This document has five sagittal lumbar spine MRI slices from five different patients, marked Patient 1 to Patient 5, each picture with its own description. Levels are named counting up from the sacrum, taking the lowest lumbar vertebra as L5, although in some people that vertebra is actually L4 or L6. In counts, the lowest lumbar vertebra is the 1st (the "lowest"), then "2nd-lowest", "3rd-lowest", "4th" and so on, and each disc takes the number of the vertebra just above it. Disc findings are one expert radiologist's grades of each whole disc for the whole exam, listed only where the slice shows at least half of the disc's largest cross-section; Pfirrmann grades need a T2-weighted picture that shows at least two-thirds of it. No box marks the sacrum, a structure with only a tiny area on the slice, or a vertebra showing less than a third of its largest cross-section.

Patient 1 of 5:
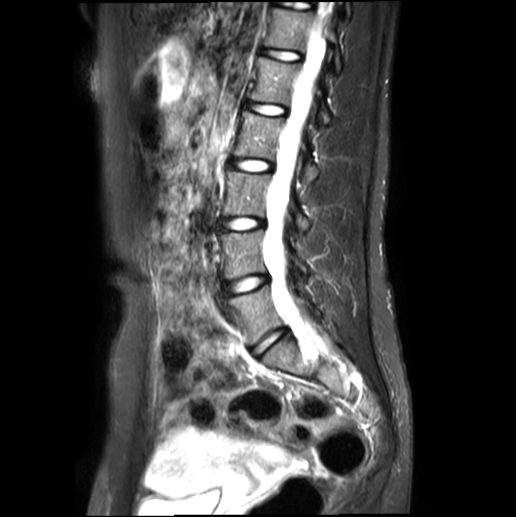 Sagittal slice index 10 | Image 516x517 | Lumbar spine MR, T2-weighted, sagittal
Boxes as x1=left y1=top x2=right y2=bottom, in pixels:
Annotations:
- T12/L1 at x1=259 y1=48 x2=301 y2=61
- disc L3/L4 at x1=219 y1=217 x2=265 y2=230
- L5/S1 at x1=251 y1=329 x2=286 y2=357
- thecal sac / spinal canal at x1=266 y1=16 x2=329 y2=325
- L2 vertebra at x1=235 y1=111 x2=318 y2=184
- L2/L3 at x1=229 y1=160 x2=273 y2=171
- L4 at x1=216 y1=230 x2=306 y2=279
- T12 vertebra at x1=263 y1=7 x2=340 y2=70
- L5 at x1=228 y1=284 x2=320 y2=345
- L1 vertebra at x1=250 y1=56 x2=331 y2=123
- L1/L2 at x1=244 y1=102 x2=286 y2=114
- disc L4/L5 at x1=222 y1=275 x2=269 y2=296
- L3 vertebra at x1=224 y1=170 x2=308 y2=230

Degenerative findings by level:
• L1/L2: Pfirrmann grade 1
• T12/L1: Pfirrmann grade 1
• L2/L3: Pfirrmann grade 1
• L3/L4: Pfirrmann grade 1
• L4/L5: Pfirrmann grade 1
• L5/S1: no Modic or endplate change, herniation, narrowing, bulging or spondylolisthesis recorded

Patient 2 of 5:
Slice 15 of 26 | Lumbar spine MR, T1-weighted, sagittal 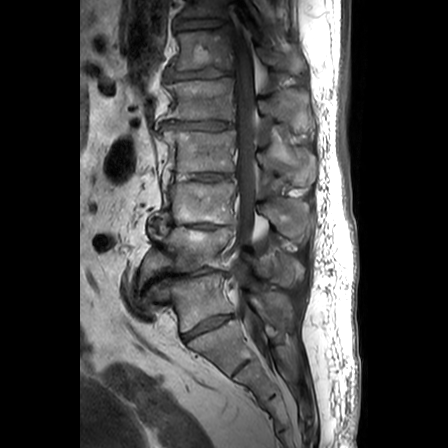 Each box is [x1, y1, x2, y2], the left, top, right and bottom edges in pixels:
{"L3/L4": "[151, 219, 227, 228]", "L2": "[155, 128, 316, 185]", "L5": "[159, 272, 291, 331]", "T11 vertebra": "[180, 0, 265, 29]", "T12": "[170, 28, 305, 73]", "disc L4/L5": "[144, 267, 226, 287]", "L1/L2": "[161, 121, 231, 130]", "L5/S1": "[183, 315, 230, 340]", "disc T12/L1": "[165, 68, 230, 80]", "thecal sac / spinal canal": "[232, 21, 261, 342]", "disc L2/L3": "[166, 173, 231, 181]", "disc T11/T12": "[175, 19, 224, 30]", "L4": "[138, 226, 304, 285]", "L3": "[159, 181, 312, 237]", "L1 vertebra": "[161, 77, 313, 131]"}

Degenerative findings by level:
• L3/L4: disc herniation, disc narrowing, Modic type II, disc bulging
• T12/L1: disc narrowing, disc herniation, disc bulging
• L4/L5: disc herniation, disc bulging, Modic type II, disc narrowing
• T11/T12: disc narrowing, disc bulging, upper-endplate change
• L2/L3: disc narrowing, disc bulging
• L1/L2: disc bulging, disc narrowing
• L5/S1: disc narrowing

Patient 3 of 5:
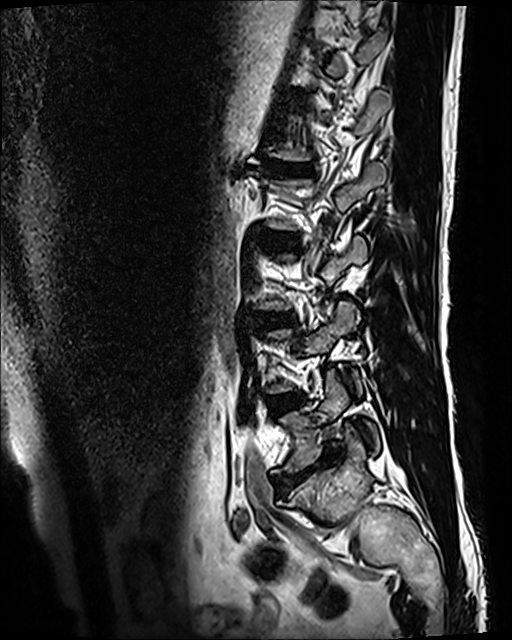 Patient sex: M. T2 SPACE (3D) sagittal MRI of the lumbar spine.

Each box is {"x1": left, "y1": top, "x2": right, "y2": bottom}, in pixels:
Lowest vertebra: {"x1": 272, "y1": 372, "x2": 379, "y2": 473}.
5th disc: {"x1": 264, "y1": 161, "x2": 313, "y2": 175}.
Lowest disc: {"x1": 275, "y1": 447, "x2": 338, "y2": 489}.
3rd-lowest disc: {"x1": 260, "y1": 312, "x2": 295, "y2": 326}.
2nd-lowest disc: {"x1": 268, "y1": 395, "x2": 292, "y2": 411}.
4th disc: {"x1": 262, "y1": 231, "x2": 298, "y2": 249}.

Degenerative findings by level:
  5th disc: Modic type II, lower-endplate change, upper-endplate change, disc narrowing, disc bulging
  lowest disc: Modic type II, upper-endplate change, disc bulging, lower-endplate change, disc narrowing

Patient 4 of 5:
Sex F | Field of view 280x284 mm, slice spacing 3.3 mm | Lumbar spine MR, T1-weighted, sagittal
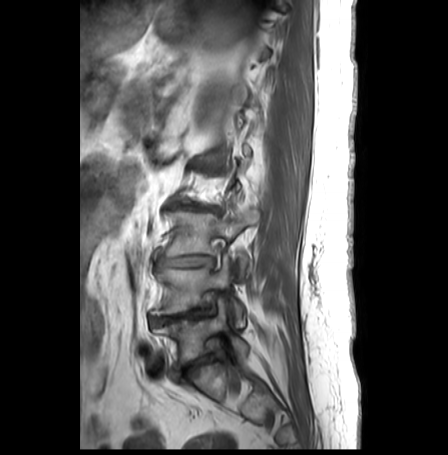
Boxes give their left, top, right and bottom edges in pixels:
Annotations:
- L4/L5 = left=150, top=305, right=213, bottom=325
- L5 vertebra = left=152, top=299, right=248, bottom=368
- L4 = left=150, top=254, right=244, bottom=325
- L5/S1 = left=171, top=350, right=220, bottom=380
- L2/L3 = left=168, top=204, right=220, bottom=213
- L3 vertebra = left=164, top=209, right=259, bottom=275
- L3/L4 = left=155, top=255, right=213, bottom=266

Degenerative findings by level:
- L5/S1: disc narrowing, lower-endplate change, Modic type II, upper-endplate change, disc bulging
- L3/L4: upper-endplate change, disc bulging, Modic type II, disc narrowing, lower-endplate change
- L4/L5: disc herniation, Modic type II, disc narrowing, lower-endplate change, upper-endplate change, disc bulging

Patient 5 of 5:
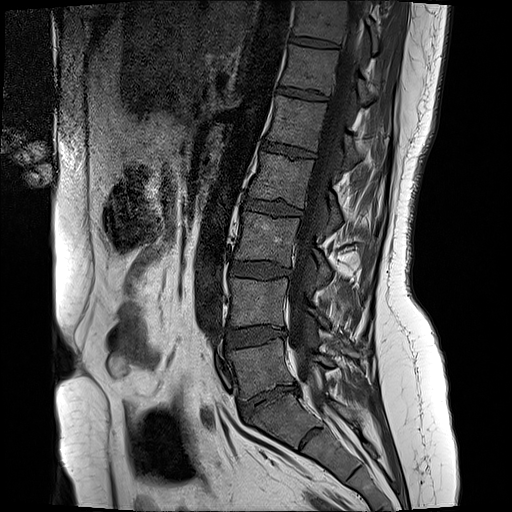 Slice 7/17, T1-weighted sagittal MRI of the lumbar spine, Field of view 300x300 mm, slice spacing 3.3 mm

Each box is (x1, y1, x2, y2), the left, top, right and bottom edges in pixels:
Lowest vertebra: (230, 340, 333, 400).
6th disc: (278, 90, 326, 102).
7th disc: (291, 39, 337, 50).
4th vertebra: (248, 155, 342, 232).
Lowest disc: (240, 387, 297, 420).
5th disc: (262, 143, 313, 158).
3rd-lowest vertebra: (234, 212, 332, 284).
2nd-lowest disc: (226, 328, 285, 350).
6th vertebra: (281, 47, 371, 104).
7th vertebra: (294, 1, 377, 52).
5th vertebra: (267, 96, 357, 168).
2nd-lowest vertebra: (230, 279, 328, 327).
4th disc: (243, 200, 302, 216).
Thecal sac / spinal canal: (289, 1, 365, 406).
3rd-lowest disc: (230, 263, 291, 278).

Expert MSK radiologist gradings (per disc):
• lowest disc: disc narrowing, disc herniation, disc bulging
• 2nd-lowest disc: disc bulging
• 5th disc: lower-endplate change, upper-endplate change
• 6th disc: lower-endplate change, upper-endplate change
• 3rd-lowest disc: disc bulging
• 4th disc: disc bulging, lower-endplate change, upper-endplate change
• 7th disc: no Modic or endplate change, herniation, narrowing, bulging or spondylolisthesis recorded